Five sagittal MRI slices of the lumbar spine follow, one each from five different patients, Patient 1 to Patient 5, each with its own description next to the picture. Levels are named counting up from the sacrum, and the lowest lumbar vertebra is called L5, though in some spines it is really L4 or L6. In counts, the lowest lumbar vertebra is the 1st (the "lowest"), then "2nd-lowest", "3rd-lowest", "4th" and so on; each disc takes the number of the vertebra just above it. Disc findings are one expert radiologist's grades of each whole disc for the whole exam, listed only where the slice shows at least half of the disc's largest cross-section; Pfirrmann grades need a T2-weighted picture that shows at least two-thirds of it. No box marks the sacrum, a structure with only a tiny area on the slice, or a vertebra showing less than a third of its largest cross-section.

Patient 1 of 5:
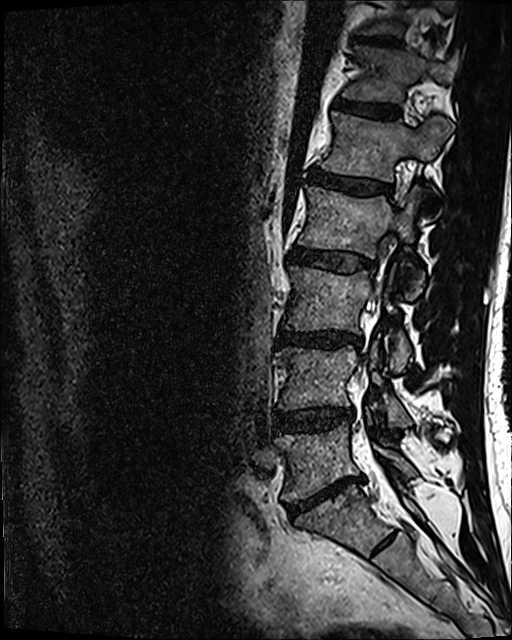

T2 SPACE (3D) sagittal MRI of the lumbar spine
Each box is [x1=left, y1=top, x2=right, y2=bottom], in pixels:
4th vertebra at [x1=298, y1=187, x2=424, y2=298].
Lowest disc at [x1=288, y1=474, x2=363, y2=515].
2nd-lowest disc at [x1=274, y1=408, x2=352, y2=430].
5th vertebra at [x1=320, y1=112, x2=449, y2=181].
3rd-lowest disc at [x1=276, y1=331, x2=361, y2=347].
3rd-lowest vertebra at [x1=284, y1=266, x2=410, y2=371].
6th vertebra at [x1=343, y1=47, x2=457, y2=102].
7th disc at [x1=358, y1=34, x2=398, y2=46].
Lowest vertebra at [x1=275, y1=423, x2=415, y2=501].
5th disc at [x1=308, y1=170, x2=392, y2=194].
6th disc at [x1=336, y1=99, x2=400, y2=118].
2nd-lowest vertebra at [x1=276, y1=346, x2=410, y2=426].
4th disc at [x1=290, y1=247, x2=374, y2=272].

Expert MSK radiologist gradings (per disc):
- lowest disc: Pfirrmann grade 5, disc bulging, Modic type II, disc narrowing
- 2nd-lowest disc: Pfirrmann grade 3, disc bulging, disc narrowing
- 5th disc: Pfirrmann grade 4
- 6th disc: Pfirrmann grade 3
- 3rd-lowest disc: Pfirrmann grade 4, lower-endplate change, disc narrowing, disc bulging
- 4th disc: Pfirrmann grade 3, disc bulging

Patient 2 of 5:
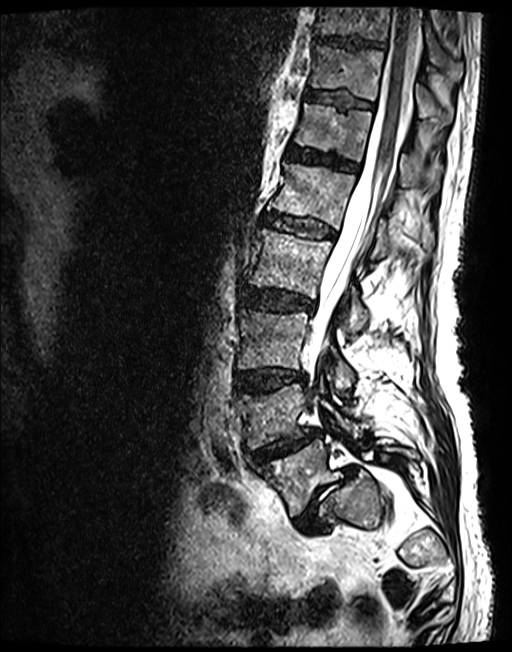 Slice 61 of 143 | Patient sex: M | Sagittal T2 SPACE (3D) lumbar spine MRI
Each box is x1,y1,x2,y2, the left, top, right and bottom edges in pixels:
Segmented structures:
* 7th disc: 306,91,372,108
* 3rd-lowest disc: 234,369,305,393
* 7th vertebra: 311,47,453,124
* 5th vertebra: 268,163,434,258
* thecal sac / spinal canal: 306,7,420,367
* 4th vertebra: 248,230,369,328
* 4th disc: 241,288,313,311
* 2nd-lowest vertebra: 234,385,363,449
* 3rd-lowest vertebra: 237,308,355,388
* 8th vertebra: 317,7,462,77
* 5th disc: 263,213,333,237
* lowest disc: 294,465,356,532
* 6th disc: 287,146,357,172
* lowest vertebra: 255,439,417,516
* 6th vertebra: 294,103,441,194
* 2nd-lowest disc: 251,429,319,463
* 8th disc: 315,34,384,49

Degenerative findings by level:
• 7th disc: Pfirrmann grade 3
• 6th disc: Pfirrmann grade 3
• lowest disc: Pfirrmann grade 5, disc herniation, disc narrowing, Modic type II, spondylolisthesis
• 3rd-lowest disc: Pfirrmann grade 3, disc bulging, upper-endplate change, lower-endplate change
• 4th disc: Pfirrmann grade 3, disc bulging
• 8th disc: Pfirrmann grade 3
• 5th disc: Pfirrmann grade 3

Patient 3 of 5:
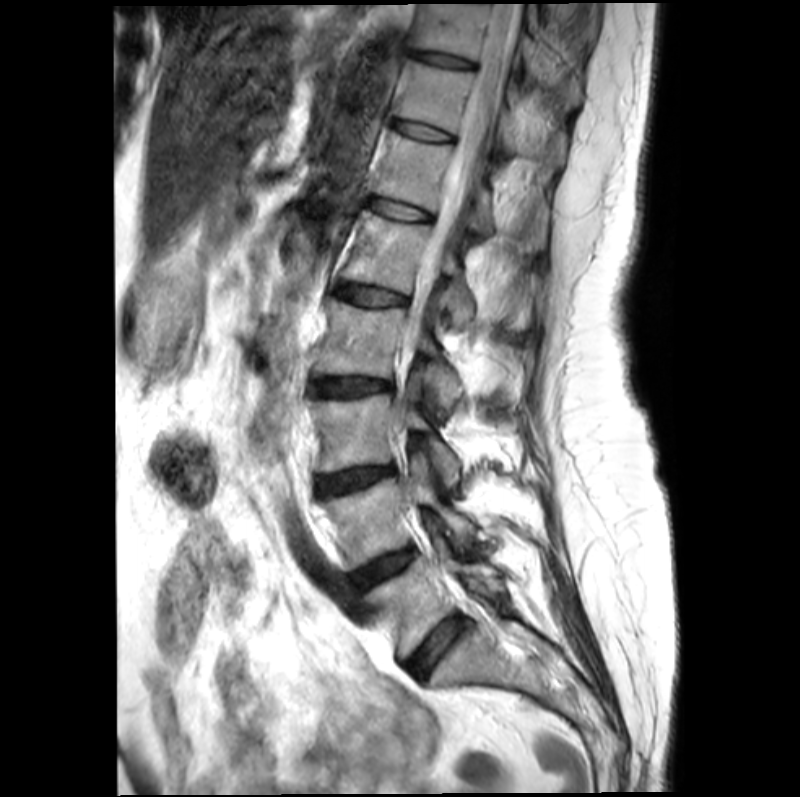

MRI lumbar spine (T2-weighted), sagittal plane; Sagittal slice index 12; Image 800x797

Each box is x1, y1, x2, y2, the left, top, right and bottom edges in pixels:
{"T12/L1 (6th disc)": "364, 198, 430, 220", "T11 (7th vertebra)": "393, 60, 565, 180", "IVD L5/S1 (lowest disc)": "406, 616, 465, 680", "L3 (3rd-lowest vertebra)": "310, 386, 459, 485", "IVD L3/L4 (3rd-lowest disc)": "314, 464, 392, 496", "spinal canal": "398, 4, 522, 451", "L5 (lowest vertebra)": "362, 554, 495, 662", "T10 (8th vertebra)": "410, 4, 581, 104", "T11/T12 (7th disc)": "390, 120, 451, 140", "L1/L2 (5th disc)": "332, 282, 405, 305", "L1 (5th vertebra)": "341, 210, 529, 329", "T10/T11 (8th disc)": "406, 49, 474, 67", "IVD L4/L5 (2nd-lowest disc)": "346, 548, 413, 600", "L4 (2nd-lowest vertebra)": "319, 455, 474, 569", "L2 (4th vertebra)": "315, 299, 461, 414", "T12 (6th vertebra)": "372, 131, 547, 250", "L2/L3 (4th disc)": "309, 374, 389, 397"}

Degenerative findings by level:
  L5/S1 (lowest disc): Pfirrmann grade 2, Modic type II
  T10/T11 (8th disc): Pfirrmann grade 3
  T12/L1 (6th disc): Pfirrmann grade 2, Modic type II
  L4/L5 (2nd-lowest disc): Pfirrmann grade 3, Modic type II
  L3/L4 (3rd-lowest disc): Pfirrmann grade 3, disc bulging, Modic type II, upper-endplate change, lower-endplate change, disc narrowing
  T11/T12 (7th disc): Pfirrmann grade 2
  L1/L2 (5th disc): Pfirrmann grade 2, upper-endplate change, lower-endplate change, Modic type II
  L2/L3 (4th disc): Pfirrmann grade 3, Modic type II, upper-endplate change, disc bulging, lower-endplate change

Patient 4 of 5:
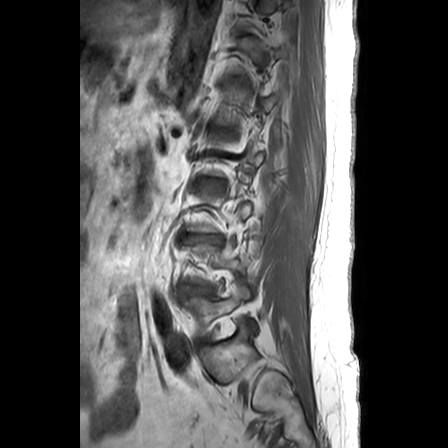

448x448 px | T1-weighted sagittal MRI of the lumbar spine
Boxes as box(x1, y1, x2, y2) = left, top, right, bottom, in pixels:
3rd-lowest disc at box(189, 235, 221, 242); lowest vertebra at box(185, 284, 252, 335).

Patient 5 of 5:
MRI lumbar spine (T2-weighted), sagittal plane. Patient sex: F.
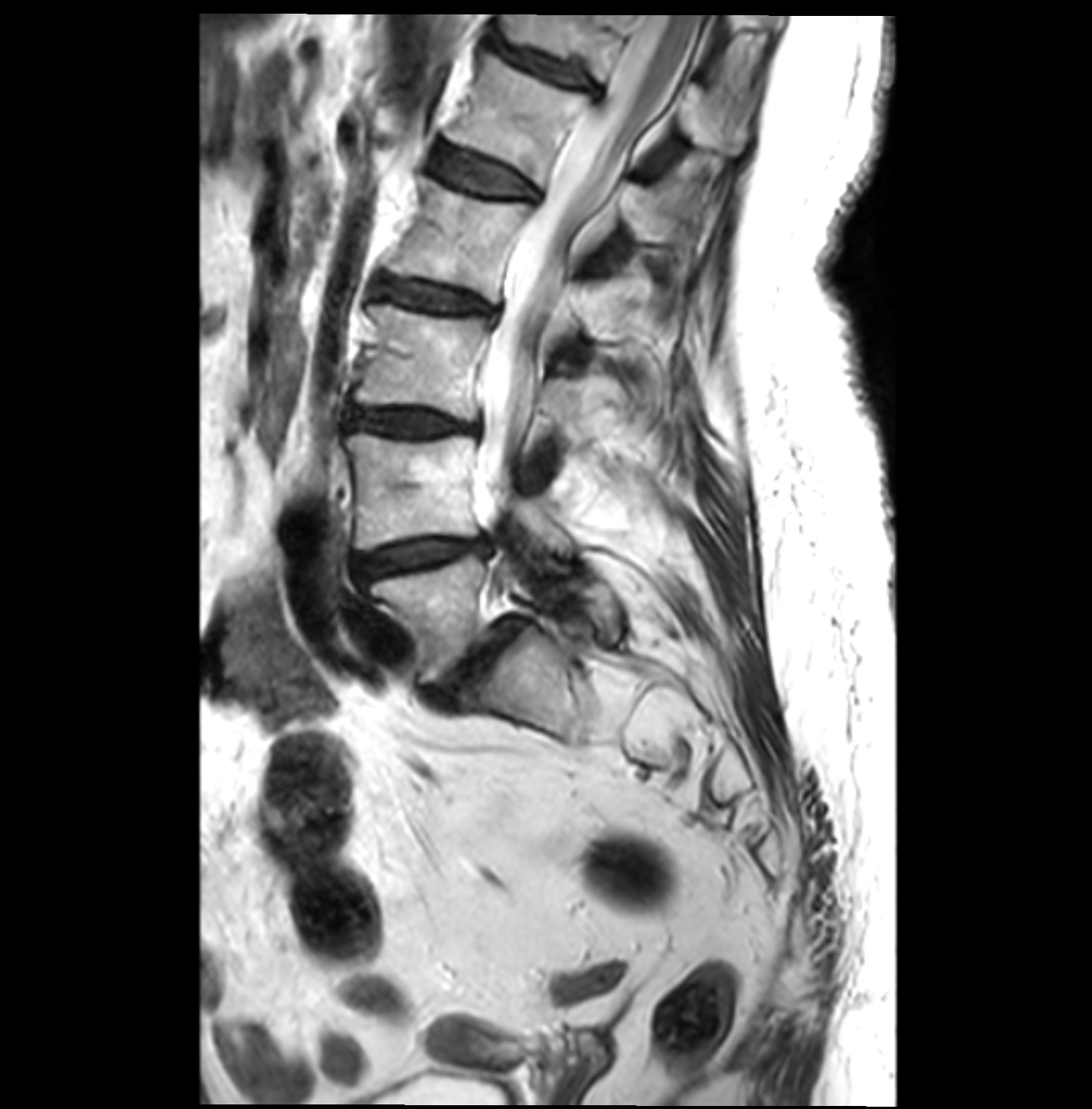

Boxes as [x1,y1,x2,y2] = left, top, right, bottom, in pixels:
4th vertebra: [389,179,638,355] | 3rd-lowest vertebra: [356,305,591,443] | 4th disc: [370,277,496,322] | lowest disc: [431,620,522,699] | spinal canal: [480,14,684,503] | lowest vertebra: [366,534,617,680] | 5th disc: [431,142,534,198] | 2nd-lowest disc: [350,539,481,585] | 3rd-lowest disc: [348,407,478,434] | 5th vertebra: [446,52,715,242] | 6th disc: [497,45,597,93] | 2nd-lowest vertebra: [348,433,571,553] | 6th vertebra: [494,12,752,154]

Expert MSK radiologist gradings (per disc):
  3rd-lowest disc: Pfirrmann grade 3, Modic type II, disc narrowing, disc bulging
  6th disc: Pfirrmann grade 3, disc bulging
  5th disc: Pfirrmann grade 2, Modic type II
  4th disc: Pfirrmann grade 3, disc bulging, Modic type II
  2nd-lowest disc: Pfirrmann grade 3, disc bulging, Modic type II, disc narrowing